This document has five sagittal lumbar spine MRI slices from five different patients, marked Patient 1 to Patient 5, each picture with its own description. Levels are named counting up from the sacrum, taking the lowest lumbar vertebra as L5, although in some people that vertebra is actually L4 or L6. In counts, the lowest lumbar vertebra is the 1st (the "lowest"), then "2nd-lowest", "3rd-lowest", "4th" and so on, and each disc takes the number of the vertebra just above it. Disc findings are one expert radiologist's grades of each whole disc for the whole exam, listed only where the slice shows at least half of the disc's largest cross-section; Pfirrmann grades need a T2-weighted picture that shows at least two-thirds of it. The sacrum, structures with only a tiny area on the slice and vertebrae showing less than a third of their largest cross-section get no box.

Patient 1 of 5:
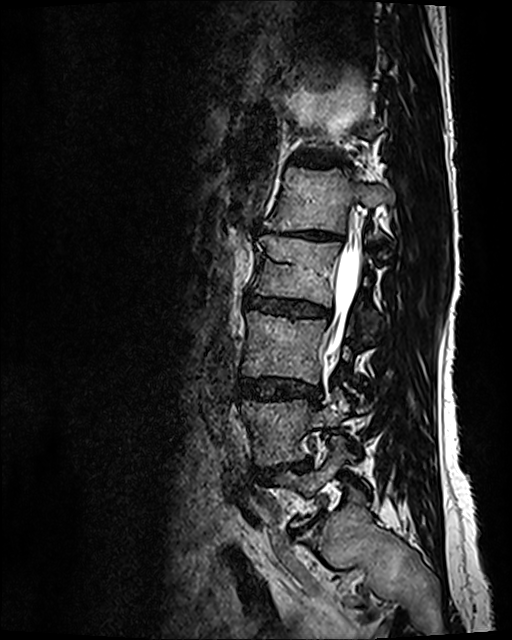 Sagittal slice index 41 | 512x640 px | MRI lumbar spine (T2 SPACE (3D)), sagittal plane
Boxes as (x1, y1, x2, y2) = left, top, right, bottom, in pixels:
L1/L2 at (265, 225, 343, 243) | IVD L2/L3 at (248, 295, 330, 317) | spinal canal at (325, 247, 358, 356) | L1 at (273, 167, 394, 232) | IVD T12/L1 at (295, 154, 337, 166) | L3/L4 at (239, 378, 321, 400) | L3 at (243, 311, 353, 384) | L2 at (253, 235, 376, 320) | IVD L4/L5 at (254, 461, 309, 478) | L4 at (242, 386, 354, 466)

Radiological gradings:
- L1/L2: Pfirrmann grade 5, upper-endplate change, disc bulging, Modic type II, disc narrowing, lower-endplate change
- L3/L4: Pfirrmann grade 3, disc bulging
- L2/L3: Pfirrmann grade 3, disc bulging, disc narrowing

Patient 2 of 5:
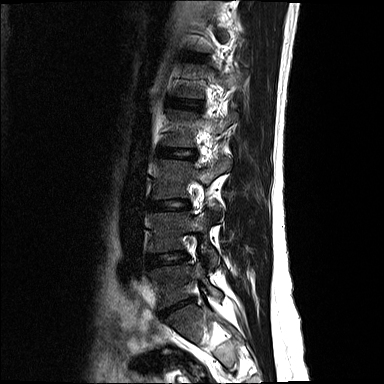 MRI lumbar spine (T2-weighted), sagittal plane, 384x384 px

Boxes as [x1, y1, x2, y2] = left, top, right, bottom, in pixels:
lowest vertebra: [150, 262, 222, 307] | 5th vertebra: [177, 65, 243, 98] | 3rd-lowest disc: [149, 200, 187, 209] | 3rd-lowest vertebra: [153, 157, 231, 211] | 4th vertebra: [163, 109, 239, 146] | 5th disc: [170, 99, 199, 109] | lowest disc: [163, 300, 191, 314] | 4th disc: [159, 148, 192, 159] | 2nd-lowest disc: [147, 252, 185, 266] | 2nd-lowest vertebra: [148, 212, 219, 266]

Radiological gradings:
• 4th disc: Pfirrmann grade 2
• 3rd-lowest disc: Pfirrmann grade 2
• 2nd-lowest disc: Pfirrmann grade 2, disc bulging
• 5th disc: no Modic or endplate change, herniation, narrowing, bulging or spondylolisthesis recorded

Patient 3 of 5:
Sagittal T2-weighted lumbar spine MRI; Slice spacing 4.4 mm
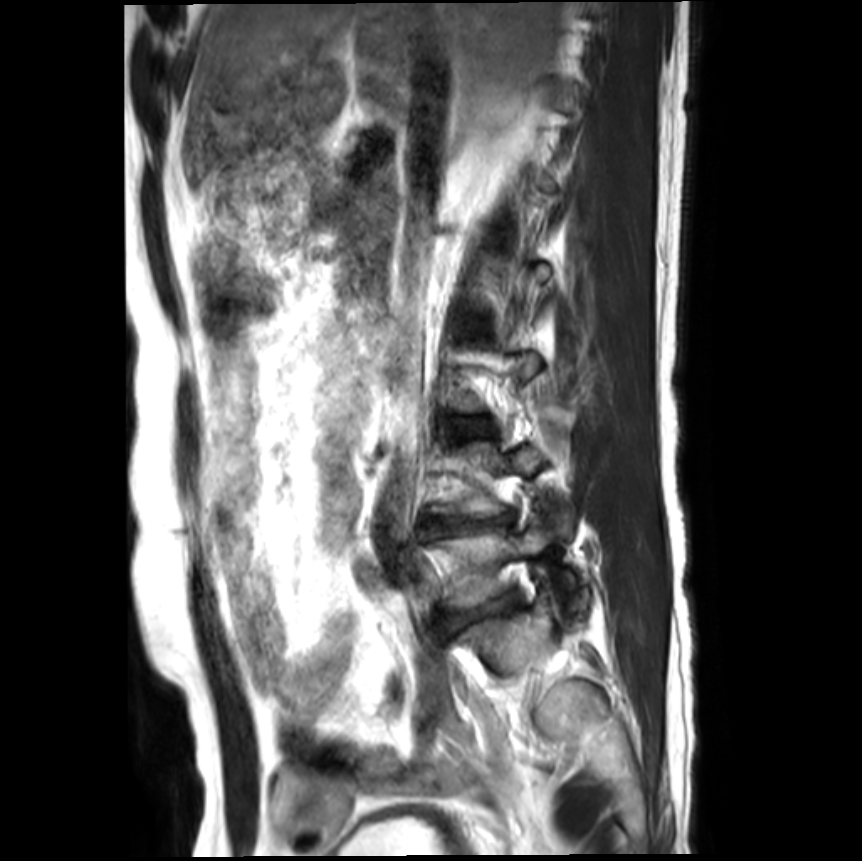

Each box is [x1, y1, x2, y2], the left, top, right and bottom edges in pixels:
L5/S1: [442, 592, 518, 628]
disc L3/L4: [452, 418, 491, 437]
L5: [437, 508, 575, 606]
L4/L5: [428, 512, 511, 535]

Per-level radiological findings:
- L4/L5: Pfirrmann grade 5, upper-endplate change, disc bulging, disc narrowing, lower-endplate change, Modic type II

Patient 4 of 5:
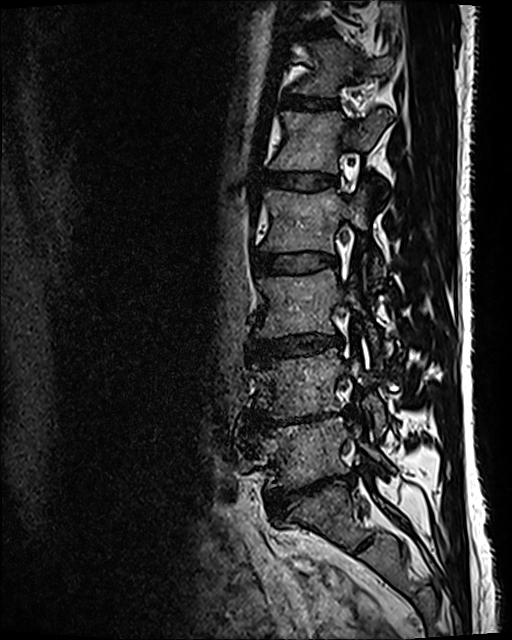
T2 SPACE (3D) sagittal MRI of the lumbar spine, Slice spacing 0.9 mm, Sagittal slice index 74
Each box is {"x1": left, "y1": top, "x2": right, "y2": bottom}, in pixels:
Annotations:
• L5/S1 at {"x1": 268, "y1": 475, "x2": 345, "y2": 517}
• L2 at {"x1": 262, "y1": 188, "x2": 381, "y2": 277}
• intervertebral disc L4/L5 at {"x1": 259, "y1": 413, "x2": 330, "y2": 427}
• T12 vertebra at {"x1": 294, "y1": 40, "x2": 394, "y2": 96}
• intervertebral disc T11/T12 at {"x1": 310, "y1": 28, "x2": 335, "y2": 39}
• intervertebral disc T12/L1 at {"x1": 285, "y1": 95, "x2": 336, "y2": 110}
• L5 at {"x1": 261, "y1": 418, "x2": 393, "y2": 488}
• intervertebral disc L3/L4 at {"x1": 253, "y1": 334, "x2": 342, "y2": 360}
• L3 vertebra at {"x1": 256, "y1": 270, "x2": 378, "y2": 349}
• L2/L3 at {"x1": 255, "y1": 253, "x2": 336, "y2": 274}
• L1 at {"x1": 271, "y1": 110, "x2": 389, "y2": 173}
• L1/L2 at {"x1": 266, "y1": 171, "x2": 336, "y2": 190}
• L4 vertebra at {"x1": 253, "y1": 349, "x2": 385, "y2": 434}

Radiological gradings:
• L1/L2: Pfirrmann grade 2
• T12/L1: Pfirrmann grade 2
• L2/L3: Pfirrmann grade 2
• L3/L4: Pfirrmann grade 3, disc narrowing, disc bulging
• L5/S1: Pfirrmann grade 5, lower-endplate change, spondylolisthesis, disc bulging, disc narrowing

Patient 5 of 5:
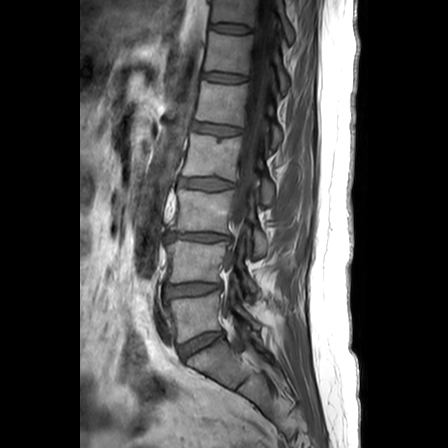 Image 448x448; Sagittal T1-weighted lumbar spine MRI; Field of view 280x280 mm

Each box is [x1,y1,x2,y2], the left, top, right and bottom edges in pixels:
Segmented structures:
* L5 — [167,291,262,343]
* T11/T12 — [210,23,251,32]
* intervertebral disc L5/S1 — [181,332,223,357]
* L3 vertebra — [173,189,270,257]
* L4 vertebra — [168,240,260,291]
* L1/L2 — [195,122,242,135]
* L3/L4 — [169,232,231,240]
* intervertebral disc T12/L1 — [203,72,247,83]
* L4/L5 — [167,283,223,296]
* T11 vertebra — [212,0,295,41]
* L2 vertebra — [184,133,276,203]
* spinal canal — [235,0,273,222]
* L2/L3 — [182,177,234,189]
* T12 — [205,31,289,95]
* L1 vertebra — [197,81,283,146]

Degenerative findings by level:
• L3/L4: Modic type II, upper-endplate change, lower-endplate change, disc narrowing, disc herniation
• L4/L5: disc bulging
• L2/L3, L1/L2, T12/L1, L5/S1, T11/T12: no spondylolisthesis, narrowing, bulging, herniation, Modic or endplate change recorded